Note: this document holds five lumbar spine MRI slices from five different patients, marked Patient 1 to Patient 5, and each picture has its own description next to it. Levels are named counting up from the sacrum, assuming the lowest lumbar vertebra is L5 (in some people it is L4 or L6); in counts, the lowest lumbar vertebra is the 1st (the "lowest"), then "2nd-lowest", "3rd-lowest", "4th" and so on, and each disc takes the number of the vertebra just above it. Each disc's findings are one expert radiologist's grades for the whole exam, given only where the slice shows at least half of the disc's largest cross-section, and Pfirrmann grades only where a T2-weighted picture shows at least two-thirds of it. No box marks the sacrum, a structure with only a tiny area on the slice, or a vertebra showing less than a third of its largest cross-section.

Patient 1 of 5:
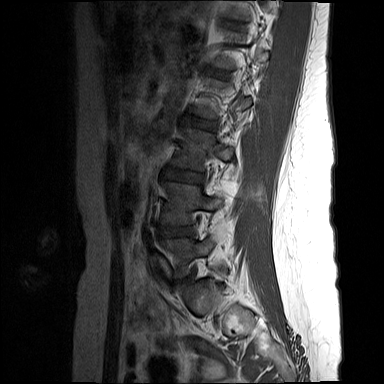 Sagittal T1-weighted lumbar spine MRI, Sex F, Image 384x384
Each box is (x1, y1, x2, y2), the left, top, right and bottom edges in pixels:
3rd-lowest vertebra = (171, 128, 233, 171).
3rd-lowest disc = (164, 169, 203, 182).
Lowest vertebra = (162, 229, 225, 276).
5th disc = (214, 71, 227, 78).
2nd-lowest disc = (160, 227, 193, 236).
4th disc = (186, 117, 215, 130).
2nd-lowest vertebra = (162, 182, 226, 224).

Degenerative findings by level:
• 4th disc, 2nd-lowest disc, 3rd-lowest disc: no herniation, bulging, narrowing, spondylolisthesis, endplate or Modic change recorded

Patient 2 of 5:
Lumbar spine MR, T2-weighted, sagittal, Scanner: Philips Healthcare Ingenia (3T) 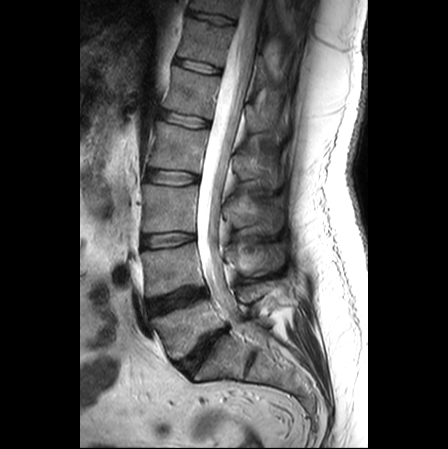 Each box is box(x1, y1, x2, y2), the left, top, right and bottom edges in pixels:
{"L2 vertebra": "box(149, 122, 282, 187)", "L1 vertebra": "box(164, 66, 283, 131)", "L3 vertebra": "box(143, 185, 282, 232)", "T12 vertebra": "box(178, 18, 270, 83)", "disc L3/L4": "box(143, 232, 193, 246)", "L5": "box(151, 284, 287, 359)", "disc L1/L2": "box(160, 110, 208, 127)", "disc L5/S1": "box(176, 328, 226, 374)", "disc L2/L3": "box(147, 170, 198, 185)", "L4 vertebra": "box(142, 243, 283, 295)", "disc L4/L5": "box(148, 288, 206, 313)", "T11/T12": "box(188, 11, 233, 23)", "T12/L1": "box(176, 59, 219, 73)", "spinal canal": "box(197, 0, 261, 324)", "T11 vertebra": "box(190, 0, 275, 27)"}

Radiological gradings:
• T11/T12: Pfirrmann grade 1
• L1/L2: Pfirrmann grade 1
• L2/L3: Pfirrmann grade 1
• L4/L5: Pfirrmann grade 4, Modic type II, disc bulging
• L5/S1: Pfirrmann grade 5, disc bulging, disc narrowing, Modic type II
• T12/L1: Pfirrmann grade 1
• L3/L4: Pfirrmann grade 1

Patient 3 of 5:
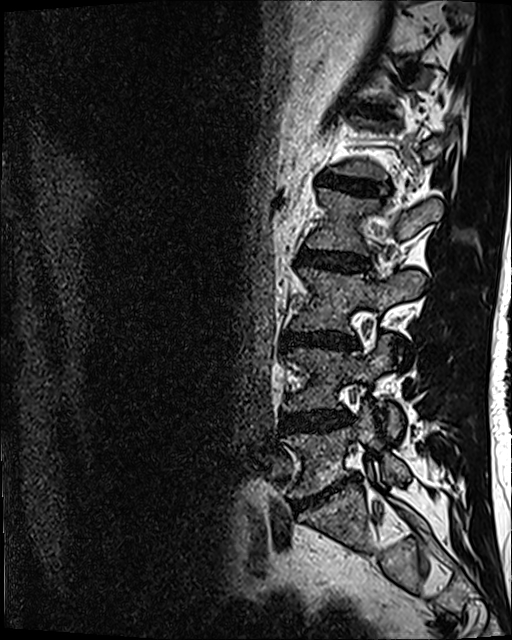 Sagittal T2 SPACE (3D) lumbar spine MRI, Patient sex: M, Field of view 240x300 mm

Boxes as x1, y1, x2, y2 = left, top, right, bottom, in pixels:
L2/L3 (4th disc) — 300, 250, 369, 271.
Intervertebral disc L1/L2 (5th disc) — 322, 175, 381, 196.
L5 (lowest vertebra) — 281, 405, 409, 497.
L3 (3rd-lowest vertebra) — 292, 268, 424, 331.
Intervertebral disc T12/L1 (6th disc) — 363, 107, 386, 115.
Intervertebral disc L3/L4 (3rd-lowest disc) — 285, 331, 355, 347.
Intervertebral disc L4/L5 (2nd-lowest disc) — 281, 411, 346, 430.
L2 (4th vertebra) — 307, 188, 442, 253.
L4 (2nd-lowest vertebra) — 285, 336, 401, 436.
Intervertebral disc L5/S1 (lowest disc) — 294, 474, 357, 508.

Per-level radiological findings:
  L5/S1 (lowest disc): Modic type II, disc narrowing, disc bulging
  L3/L4 (3rd-lowest disc): Pfirrmann grade 4, disc bulging, lower-endplate change, disc narrowing
  L4/L5 (2nd-lowest disc): Pfirrmann grade 3, disc bulging, disc narrowing
  L2/L3 (4th disc): Pfirrmann grade 3, disc bulging
  L1/L2 (5th disc): no herniation, bulging, narrowing, spondylolisthesis, endplate or Modic change recorded

Patient 4 of 5:
Sex F, T2-weighted sagittal MRI of the lumbar spine, Sagittal slice index 13, Philips Healthcare Ingenia (3T) 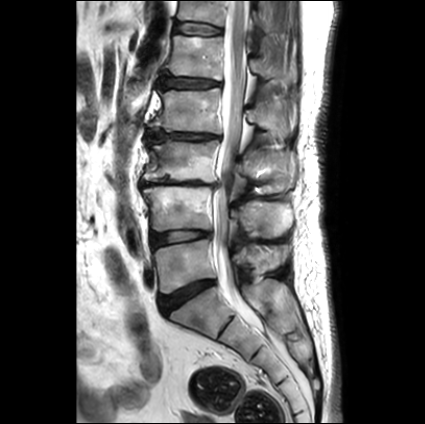

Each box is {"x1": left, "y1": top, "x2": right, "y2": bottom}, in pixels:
Annotations:
* L4 = {"x1": 143, "y1": 186, "x2": 292, "y2": 237}
* intervertebral disc L2/L3 = {"x1": 146, "y1": 130, "x2": 219, "y2": 141}
* L5 = {"x1": 153, "y1": 239, "x2": 253, "y2": 293}
* T12 vertebra = {"x1": 177, "y1": 1, "x2": 269, "y2": 33}
* thecal sac / spinal canal = {"x1": 213, "y1": 1, "x2": 248, "y2": 304}
* L3 = {"x1": 143, "y1": 139, "x2": 295, "y2": 191}
* intervertebral disc T12/L1 = {"x1": 175, "y1": 22, "x2": 221, "y2": 34}
* L5/S1 = {"x1": 159, "y1": 280, "x2": 214, "y2": 313}
* L2 = {"x1": 150, "y1": 88, "x2": 296, "y2": 133}
* intervertebral disc L4/L5 = {"x1": 150, "y1": 230, "x2": 209, "y2": 248}
* L3/L4 = {"x1": 140, "y1": 180, "x2": 217, "y2": 188}
* L1 vertebra = {"x1": 167, "y1": 35, "x2": 295, "y2": 81}
* intervertebral disc L1/L2 = {"x1": 159, "y1": 70, "x2": 220, "y2": 89}

Expert MSK radiologist gradings (per disc):
  L3/L4: Modic type II, upper-endplate change, lower-endplate change, disc bulging, disc narrowing
  L5/S1: Pfirrmann grade 1, disc bulging
  L4/L5: Pfirrmann grade 2, disc bulging
  T12/L1: Pfirrmann grade 2
  L2/L3: Pfirrmann grade 1, upper-endplate change, lower-endplate change, disc bulging, disc narrowing
  L1/L2: Pfirrmann grade 4, disc bulging, lower-endplate change, upper-endplate change

Patient 5 of 5:
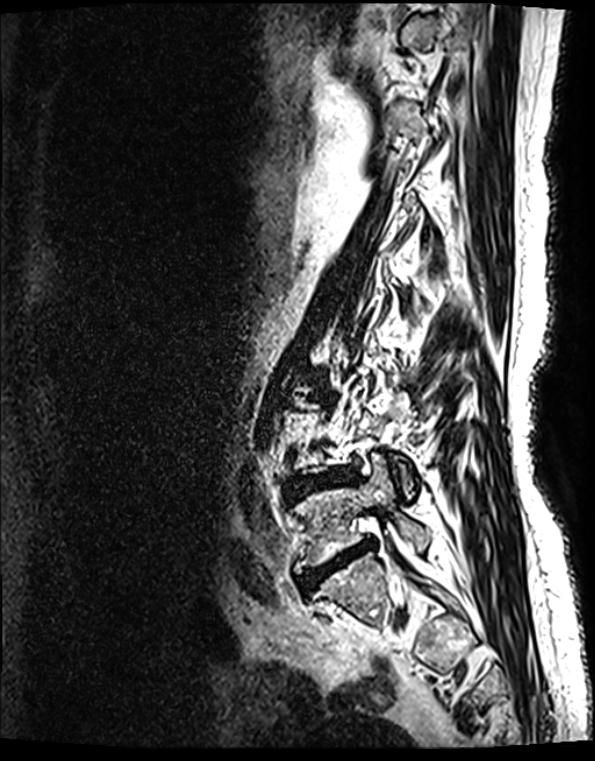
595x761 px; Lumbar spine MR, T2 SPACE (3D), sagittal
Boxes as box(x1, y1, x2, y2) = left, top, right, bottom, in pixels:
intervertebral disc L5/S1 — box(300, 540, 372, 591) | L5 — box(292, 454, 429, 573) | intervertebral disc L4/L5 — box(287, 471, 348, 494)

Per-level radiological findings:
• L5/S1: Pfirrmann grade 5, disc bulging, upper-endplate change, disc narrowing, lower-endplate change, Modic type II